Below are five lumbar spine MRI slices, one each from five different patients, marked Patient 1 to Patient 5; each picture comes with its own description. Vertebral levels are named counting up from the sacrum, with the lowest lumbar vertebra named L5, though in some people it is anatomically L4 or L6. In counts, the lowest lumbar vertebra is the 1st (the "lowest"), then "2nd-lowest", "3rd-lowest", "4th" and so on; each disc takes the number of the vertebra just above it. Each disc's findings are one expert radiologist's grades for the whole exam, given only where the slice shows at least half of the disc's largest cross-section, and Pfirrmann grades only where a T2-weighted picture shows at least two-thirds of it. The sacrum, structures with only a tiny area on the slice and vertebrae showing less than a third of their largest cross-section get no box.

Patient 1 of 5:
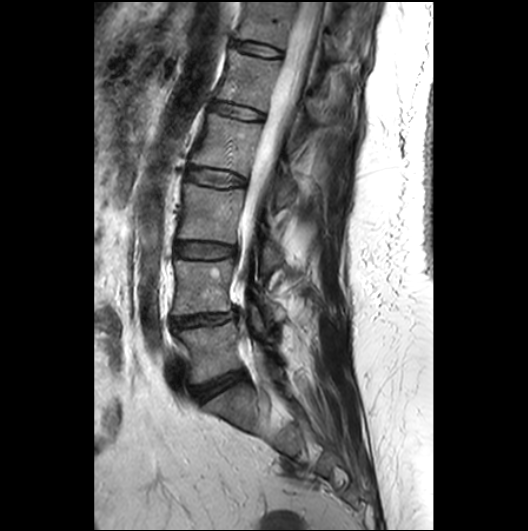
Sagittal slice index 16. T2-weighted sagittal MRI of the lumbar spine. Image 528x531. Sex F.
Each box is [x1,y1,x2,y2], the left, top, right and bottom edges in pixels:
L3 vertebra: [178,183,280,275]
IVD L2/L3: [186,167,245,187]
thecal sac / spinal canal: [239,2,322,344]
IVD L3/L4: [177,243,236,258]
L1: [216,48,332,123]
IVD L5/S1: [195,370,245,401]
IVD L4/L5: [172,310,237,330]
L4: [172,259,282,326]
L1/L2: [210,100,263,120]
T12 vertebra: [234,1,369,63]
IVD T12/L1: [232,40,282,55]
L5 vertebra: [177,321,275,382]
L2: [191,113,298,207]

Per-level radiological findings:
- L2/L3: Pfirrmann grade 2
- L3/L4: Pfirrmann grade 2
- L1/L2: Pfirrmann grade 2
- T12/L1: Pfirrmann grade 2
- L4/L5: Pfirrmann grade 3, disc herniation, disc narrowing
- L5/S1: no Modic or endplate change, herniation, narrowing, bulging or spondylolisthesis recorded

Patient 2 of 5:
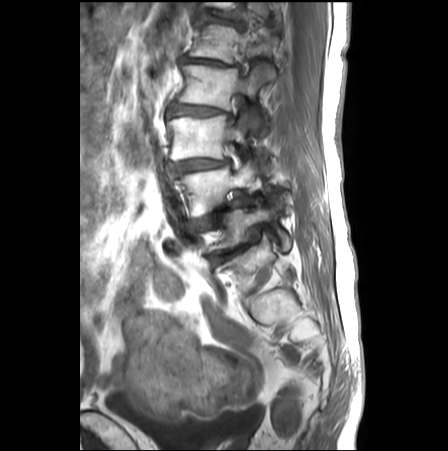

T1-weighted sagittal MRI of the lumbar spine, 448x451 px

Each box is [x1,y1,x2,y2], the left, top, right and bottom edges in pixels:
Disc L5/S1 (lowest disc) at [209,237,258,264], disc L4/L5 (2nd-lowest disc) at [195,195,247,230], disc L2/L3 (4th disc) at [168,104,231,117], L2 (4th vertebra) at [178,64,275,130], L1 (5th vertebra) at [190,25,277,63], L1/L2 (5th disc) at [180,57,239,67], T12/L1 (6th disc) at [203,12,243,28], L4 (2nd-lowest vertebra) at [178,162,256,217], L3 (3rd-lowest vertebra) at [167,114,250,161], L5 (lowest vertebra) at [209,201,291,252], L3/L4 (3rd-lowest disc) at [170,159,229,173].

Radiological gradings:
- L2/L3 (4th disc): upper-endplate change, disc narrowing, spondylolisthesis, disc bulging, Modic type II, lower-endplate change
- L4/L5 (2nd-lowest disc): upper-endplate change, spondylolisthesis, Modic type II, disc bulging, lower-endplate change, disc herniation, disc narrowing
- L1/L2 (5th disc): disc bulging, disc narrowing, lower-endplate change
- T12/L1 (6th disc): upper-endplate change, lower-endplate change, disc bulging
- L3/L4 (3rd-lowest disc): lower-endplate change, upper-endplate change, Modic type II, disc bulging, disc narrowing, spondylolisthesis
- L5/S1 (lowest disc): disc narrowing, disc herniation, Modic type II, upper-endplate change, disc bulging, lower-endplate change

Patient 3 of 5:
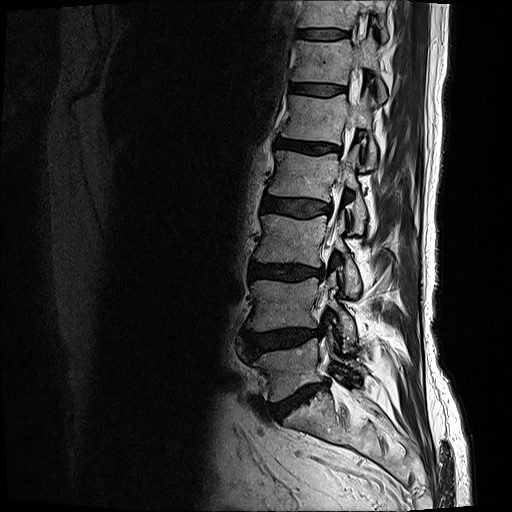

Slice 7/19; Sagittal T2-weighted lumbar spine MRI
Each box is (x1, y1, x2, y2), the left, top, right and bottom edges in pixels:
6th vertebra: (292, 32, 387, 103)
5th disc: (276, 138, 340, 153)
7th disc: (298, 30, 347, 40)
thecal sac / spinal canal: (320, 114, 355, 305)
lowest disc: (273, 382, 327, 420)
3rd-lowest disc: (250, 264, 325, 281)
4th disc: (262, 194, 332, 218)
7th vertebra: (299, 0, 388, 41)
lowest vertebra: (255, 339, 367, 402)
2nd-lowest vertebra: (247, 277, 356, 344)
3rd-lowest vertebra: (253, 213, 361, 295)
6th disc: (290, 84, 346, 96)
4th vertebra: (268, 147, 366, 232)
5th vertebra: (281, 90, 377, 168)
2nd-lowest disc: (244, 327, 323, 354)

Degenerative findings by level:
- 3rd-lowest disc: Pfirrmann grade 4, disc bulging, lower-endplate change, Modic type II, disc narrowing
- 7th disc: Pfirrmann grade 3
- 5th disc: Pfirrmann grade 4, lower-endplate change, disc bulging, disc narrowing, Modic type II, upper-endplate change
- lowest disc: Pfirrmann grade 5, disc bulging, lower-endplate change, disc narrowing, Modic type II
- 4th disc: Pfirrmann grade 3, disc bulging
- 2nd-lowest disc: Pfirrmann grade 4, disc herniation, disc bulging
- 6th disc: Pfirrmann grade 3

Patient 4 of 5:
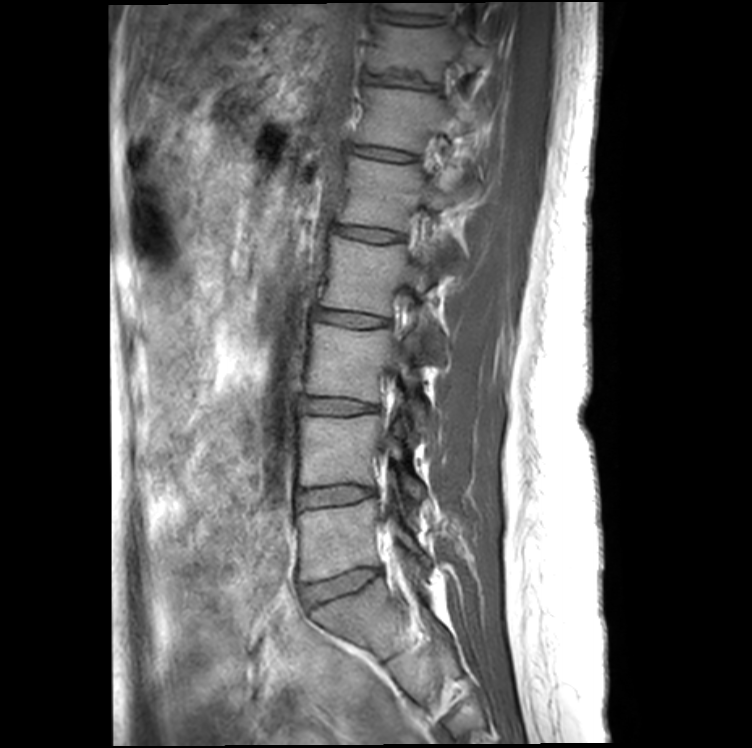
752x748 px | MRI lumbar spine (T1-weighted), sagittal plane

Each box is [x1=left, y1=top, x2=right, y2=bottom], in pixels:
{"4th disc": "[x1=314, y1=308, x2=387, y2=327]", "2nd-lowest disc": "[x1=296, y1=485, x2=374, y2=508]", "7th disc": "[x1=364, y1=74, x2=429, y2=87]", "2nd-lowest vertebra": "[x1=299, y1=415, x2=425, y2=502]", "6th vertebra": "[x1=356, y1=87, x2=475, y2=151]", "5th disc": "[x1=335, y1=226, x2=402, y2=242]", "lowest disc": "[x1=301, y1=568, x2=381, y2=606]", "3rd-lowest disc": "[x1=299, y1=396, x2=376, y2=414]", "4th vertebra": "[x1=320, y1=235, x2=444, y2=353]", "7th vertebra": "[x1=367, y1=23, x2=488, y2=82]", "6th disc": "[x1=354, y1=146, x2=412, y2=162]", "3rd-lowest vertebra": "[x1=306, y1=322, x2=429, y2=432]", "8th disc": "[x1=379, y1=13, x2=437, y2=24]", "8th vertebra": "[x1=382, y1=3, x2=483, y2=13]", "5th vertebra": "[x1=337, y1=155, x2=467, y2=256]", "lowest vertebra": "[x1=298, y1=498, x2=431, y2=582]"}

Expert MSK radiologist gradings (per disc):
• lowest disc: lower-endplate change
• 7th disc: lower-endplate change, disc bulging
• 5th disc, 4th disc, 2nd-lowest disc, 8th disc, 6th disc, 3rd-lowest disc: no spondylolisthesis, narrowing, bulging, herniation, Modic or endplate change recorded

Patient 5 of 5:
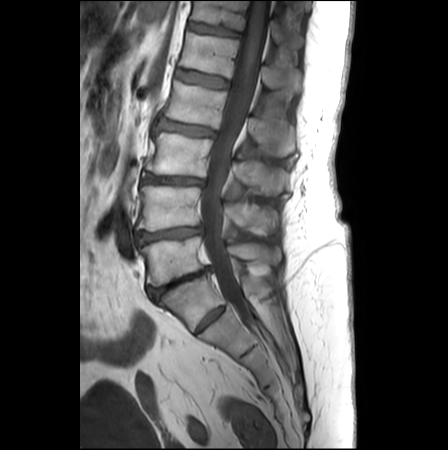
Sex F. Image 448x450. Lumbar spine MR, T1-weighted, sagittal.

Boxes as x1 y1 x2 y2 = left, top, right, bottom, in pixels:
{"L2/L3": "156 118 215 136", "spinal canal": "201 1 268 320", "L4/L5": "136 226 202 243", "intervertebral disc L5/S1": "149 267 210 300", "L1 vertebra": "179 32 302 98", "L2 vertebra": "165 81 295 156", "L1/L2": "176 69 228 87", "L5": "140 236 280 285", "T12": "192 1 301 47", "L3/L4": "143 174 203 185", "L3 vertebra": "146 133 289 194", "T12/L1": "188 22 238 36", "L4": "138 186 277 233"}

Degenerative findings by level:
• L2/L3: lower-endplate change, disc bulging, upper-endplate change, disc narrowing, Modic type II
• T12/L1: lower-endplate change
• L5/S1: disc narrowing, lower-endplate change, Modic type II, upper-endplate change, disc bulging
• L4/L5: lower-endplate change, disc bulging, disc narrowing, upper-endplate change, Modic type II
• L3/L4: upper-endplate change, Modic type II, disc bulging, lower-endplate change, disc narrowing
• L1/L2: no spondylolisthesis, narrowing, bulging, herniation, Modic or endplate change recorded